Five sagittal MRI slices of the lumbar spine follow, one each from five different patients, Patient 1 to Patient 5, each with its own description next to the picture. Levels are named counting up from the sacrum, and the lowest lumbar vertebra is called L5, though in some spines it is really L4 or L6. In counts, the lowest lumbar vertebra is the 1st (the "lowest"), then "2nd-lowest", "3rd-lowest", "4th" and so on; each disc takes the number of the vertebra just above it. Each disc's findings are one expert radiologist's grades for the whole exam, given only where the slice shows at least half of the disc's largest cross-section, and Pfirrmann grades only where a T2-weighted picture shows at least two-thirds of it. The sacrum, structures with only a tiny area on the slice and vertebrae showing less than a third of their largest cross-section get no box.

Patient 1 of 5:
Patient sex: M. Slice 83/143. MRI lumbar spine (T2 SPACE (3D)), sagittal plane.

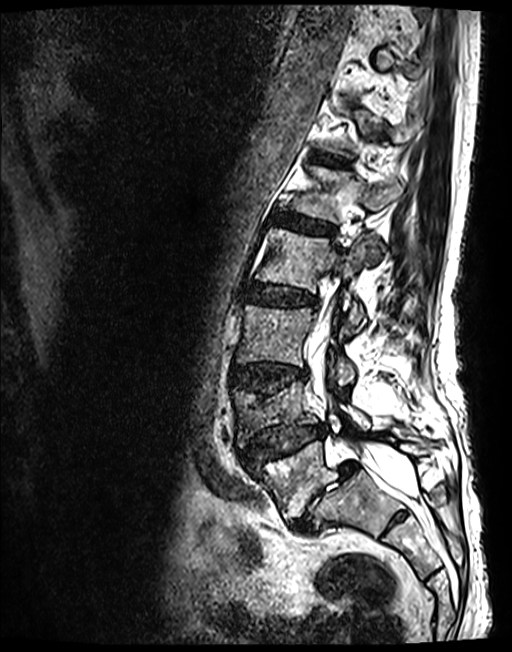 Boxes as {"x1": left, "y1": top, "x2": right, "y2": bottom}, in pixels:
Segmented structures:
- 2nd-lowest disc at {"x1": 241, "y1": 425, "x2": 325, "y2": 466}
- 3rd-lowest vertebra at {"x1": 236, "y1": 305, "x2": 354, "y2": 386}
- 4th vertebra at {"x1": 256, "y1": 230, "x2": 371, "y2": 333}
- 3rd-lowest disc at {"x1": 232, "y1": 364, "x2": 306, "y2": 395}
- lowest vertebra at {"x1": 253, "y1": 441, "x2": 429, "y2": 520}
- 2nd-lowest vertebra at {"x1": 232, "y1": 381, "x2": 369, "y2": 446}
- spinal canal at {"x1": 308, "y1": 287, "x2": 414, "y2": 496}
- lowest disc at {"x1": 290, "y1": 461, "x2": 358, "y2": 533}
- 5th disc at {"x1": 276, "y1": 213, "x2": 333, "y2": 234}
- 5th vertebra at {"x1": 292, "y1": 166, "x2": 403, "y2": 257}
- 4th disc at {"x1": 248, "y1": 284, "x2": 316, "y2": 306}
- 6th disc at {"x1": 311, "y1": 153, "x2": 349, "y2": 166}

Per-level radiological findings:
• 4th disc: Pfirrmann grade 3, disc bulging
• 2nd-lowest disc: Pfirrmann grade 3, disc narrowing, spondylolisthesis, disc herniation, lower-endplate change, upper-endplate change
• 3rd-lowest disc: Pfirrmann grade 3, lower-endplate change, disc bulging, upper-endplate change
• lowest disc: Pfirrmann grade 5, spondylolisthesis, Modic type II, disc narrowing, disc herniation
• 5th disc: Pfirrmann grade 3

Patient 2 of 5:
658x664 px; Sagittal T2-weighted lumbar spine MRI; Philips Medical Systems Ingenia (1.5T) 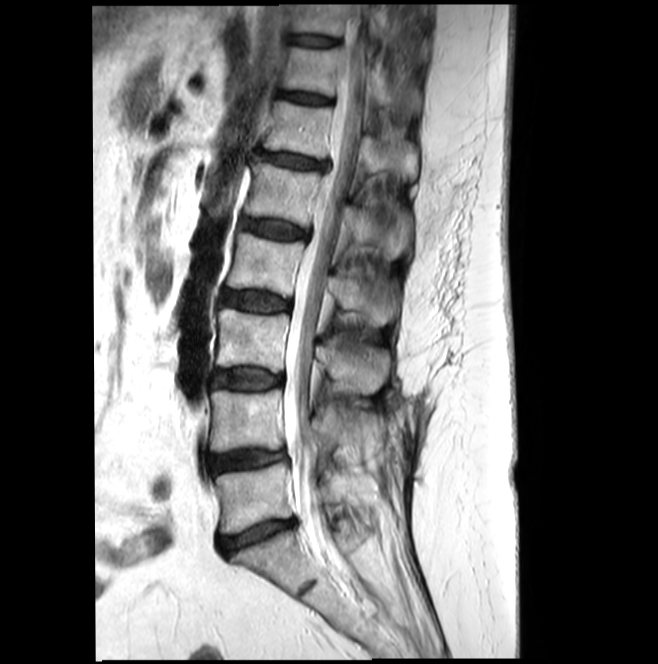

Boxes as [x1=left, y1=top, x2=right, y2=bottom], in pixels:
L3 (3rd-lowest vertebra) at [x1=215, y1=309, x2=389, y2=393], IVD T11/T12 (7th disc) at [x1=279, y1=91, x2=331, y2=105], L2 (4th vertebra) at [x1=227, y1=232, x2=397, y2=326], L4/L5 (2nd-lowest disc) at [x1=207, y1=450, x2=285, y2=473], spinal canal at [x1=283, y1=9, x2=364, y2=564], T10/T11 (8th disc) at [x1=291, y1=34, x2=338, y2=47], L4 (2nd-lowest vertebra) at [x1=210, y1=389, x2=337, y2=452], L5/S1 (lowest disc) at [x1=219, y1=519, x2=294, y2=553], L5 (lowest vertebra) at [x1=215, y1=462, x2=341, y2=533], T11 (7th vertebra) at [x1=282, y1=46, x2=420, y2=113], IVD L3/L4 (3rd-lowest disc) at [x1=211, y1=369, x2=281, y2=390], T10 (8th vertebra) at [x1=292, y1=4, x2=382, y2=41], L2/L3 (4th disc) at [x1=223, y1=290, x2=288, y2=311], IVD T12/L1 (6th disc) at [x1=256, y1=152, x2=327, y2=170], L1 (5th vertebra) at [x1=244, y1=162, x2=412, y2=259], T12 (6th vertebra) at [x1=262, y1=101, x2=417, y2=180], L1/L2 (5th disc) at [x1=241, y1=217, x2=306, y2=238].

Degenerative findings by level:
- L3/L4 (3rd-lowest disc): Pfirrmann grade 3, Modic type II
- T11/T12 (7th disc): Pfirrmann grade 3
- L1/L2 (5th disc): Pfirrmann grade 3
- L2/L3 (4th disc): Pfirrmann grade 3
- T12/L1 (6th disc): Pfirrmann grade 3, disc bulging
- L4/L5 (2nd-lowest disc): Pfirrmann grade 3, disc narrowing
- L5/S1 (lowest disc): Pfirrmann grade 3, disc narrowing, disc bulging, Modic type II
- T10/T11 (8th disc): Pfirrmann grade 3

Patient 3 of 5:
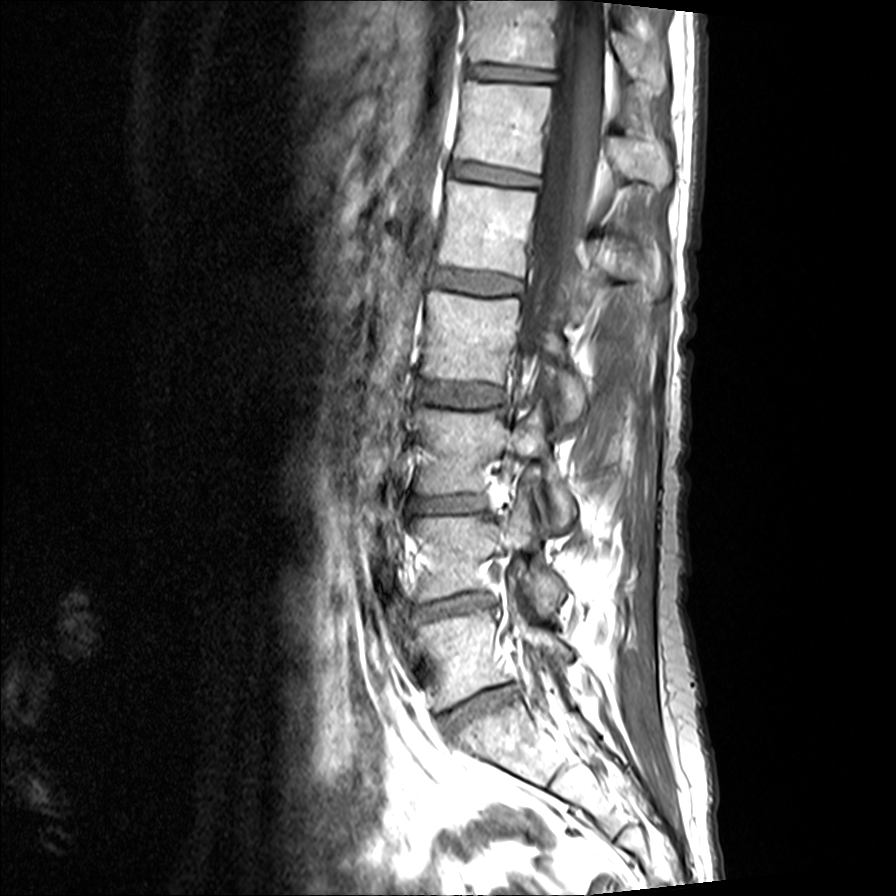
MRI lumbar spine (T1-weighted), sagittal plane
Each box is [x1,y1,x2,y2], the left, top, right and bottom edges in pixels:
Annotations:
* lowest vertebra = [405,607,574,711]
* 4th vertebra = [422,289,587,423]
* 5th vertebra = [442,179,668,300]
* 5th disc = [432,270,523,294]
* 6th disc = [451,164,539,188]
* 3rd-lowest disc = [408,494,485,511]
* 2nd-lowest disc = [408,592,492,624]
* 2nd-lowest vertebra = [413,506,566,613]
* lowest disc = [440,685,515,735]
* 6th vertebra = [455,79,672,186]
* 4th disc = [417,380,505,407]
* 7th vertebra = [470,0,666,95]
* 3rd-lowest vertebra = [416,406,576,528]
* thecal sac / spinal canal = [517,0,602,411]
* 7th disc = [469,64,557,85]

Radiological gradings:
• 3rd-lowest disc: disc bulging, disc narrowing
• 2nd-lowest disc: disc bulging, disc narrowing
• lowest disc: disc bulging, disc narrowing
• 4th disc: Modic type II
• 6th disc, 5th disc, 7th disc: no spondylolisthesis, narrowing, bulging, herniation, Modic or endplate change recorded

Patient 4 of 5:
Lumbar spine MR, T2 SPACE (3D), sagittal, Field of view 240x300 mm, Sex M

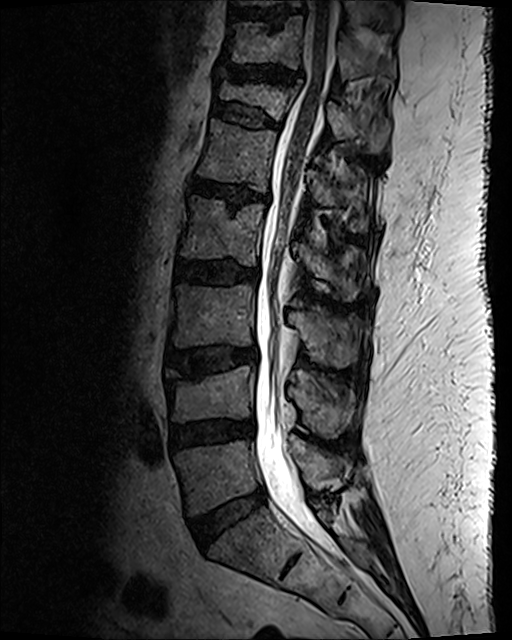 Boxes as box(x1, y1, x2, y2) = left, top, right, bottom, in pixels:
L2: box(181, 199, 359, 300).
L5: box(176, 435, 348, 515).
T12/L1: box(213, 102, 280, 130).
Spinal canal: box(254, 1, 336, 549).
T11 vertebra: box(223, 16, 395, 82).
T11/T12: box(227, 67, 301, 83).
L2/L3: box(177, 261, 258, 285).
L3 vertebra: box(171, 285, 351, 368).
Intervertebral disc L4/L5: box(170, 422, 252, 447).
Intervertebral disc L1/L2: box(190, 180, 266, 209).
L1: box(197, 120, 366, 230).
L3/L4: box(167, 349, 256, 374).
L4 vertebra: box(163, 366, 350, 438).
T10/T11: box(233, 11, 297, 21).
Intervertebral disc L5/S1: box(190, 489, 266, 546).
T12: box(219, 84, 389, 154).

Degenerative findings by level:
• L1/L2: Pfirrmann grade 3, disc bulging, upper-endplate change, disc narrowing, lower-endplate change, Modic type II
• T12/L1: Pfirrmann grade 2, upper-endplate change, disc bulging, spondylolisthesis, lower-endplate change
• L3/L4: Pfirrmann grade 3, Modic type II, lower-endplate change, upper-endplate change, disc bulging
• L5/S1: Pfirrmann grade 2, disc bulging
• L4/L5: Pfirrmann grade 3, disc bulging, disc narrowing
• T11/T12: Pfirrmann grade 2, lower-endplate change, upper-endplate change, disc narrowing, disc bulging
• L2/L3: Pfirrmann grade 3, disc bulging, lower-endplate change

Patient 5 of 5:
MRI lumbar spine (T2 SPACE (3D)), sagittal plane | Field of view 240x307 mm, slice spacing 0.9 mm | Slice 102/139

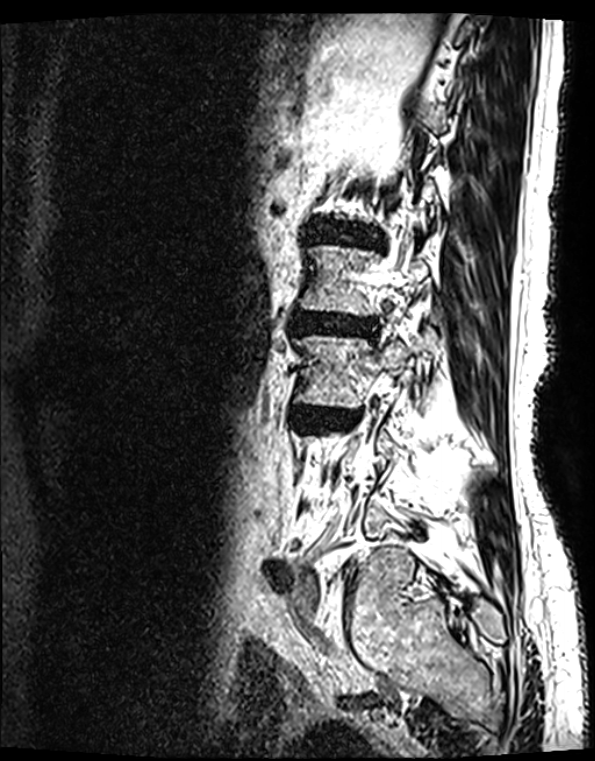 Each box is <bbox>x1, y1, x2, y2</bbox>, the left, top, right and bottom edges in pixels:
L3 vertebra: <bbox>296, 329, 437, 407</bbox>.
Intervertebral disc L3/L4: <bbox>295, 409, 358, 428</bbox>.
L2 vertebra: <bbox>300, 246, 428, 315</bbox>.
L2/L3: <bbox>294, 316, 373, 334</bbox>.
Intervertebral disc L1/L2: <bbox>317, 230, 369, 243</bbox>.

Degenerative findings by level:
  L3/L4: upper-endplate change, lower-endplate change, Modic type II, disc bulging, disc narrowing
  L2/L3: Pfirrmann grade 4, disc bulging, upper-endplate change, lower-endplate change, disc narrowing, Modic type II